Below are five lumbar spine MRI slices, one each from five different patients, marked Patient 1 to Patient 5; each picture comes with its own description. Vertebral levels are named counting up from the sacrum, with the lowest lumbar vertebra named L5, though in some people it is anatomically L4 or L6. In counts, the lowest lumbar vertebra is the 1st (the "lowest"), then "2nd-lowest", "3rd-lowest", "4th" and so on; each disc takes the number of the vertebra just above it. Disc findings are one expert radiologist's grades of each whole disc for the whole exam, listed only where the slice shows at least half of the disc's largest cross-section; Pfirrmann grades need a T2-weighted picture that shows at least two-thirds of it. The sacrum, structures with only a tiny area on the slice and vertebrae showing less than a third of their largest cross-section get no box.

Patient 1 of 5:
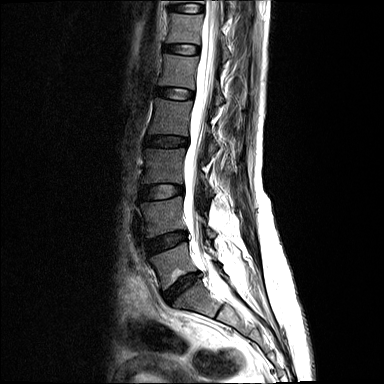 T2-weighted sagittal MRI of the lumbar spine, Image 384x384, Sex F

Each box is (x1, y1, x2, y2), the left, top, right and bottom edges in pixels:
Annotations:
- L1 (5th vertebra): (159, 54, 223, 104)
- L2/L3 (4th disc): (145, 136, 187, 146)
- L4 (2nd-lowest vertebra): (141, 197, 215, 237)
- intervertebral disc L5/S1 (lowest disc): (164, 272, 202, 302)
- L3 (3rd-lowest vertebra): (142, 148, 214, 196)
- thecal sac / spinal canal: (183, 0, 226, 292)
- L5 (lowest vertebra): (150, 243, 216, 289)
- T12/L1 (6th disc): (165, 44, 199, 54)
- L4/L5 (2nd-lowest disc): (146, 231, 186, 254)
- L3/L4 (3rd-lowest disc): (141, 184, 182, 199)
- L1/L2 (5th disc): (156, 88, 192, 99)
- L2 (4th vertebra): (149, 98, 217, 155)
- T12 (6th vertebra): (168, 13, 230, 60)

Degenerative findings by level:
• L1/L2 (5th disc): Pfirrmann grade 2
• L5/S1 (lowest disc): disc narrowing, disc herniation, lower-endplate change
• T12/L1 (6th disc): Pfirrmann grade 2
• L3/L4 (3rd-lowest disc): Pfirrmann grade 2
• L2/L3 (4th disc): Pfirrmann grade 3, disc bulging
• L4/L5 (2nd-lowest disc): Pfirrmann grade 3

Patient 2 of 5:
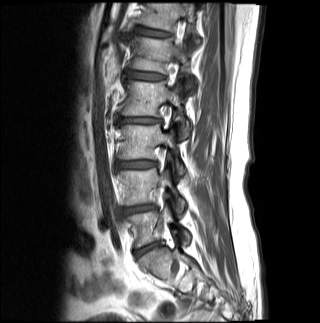 Slice 6/19, Sagittal T1-weighted lumbar spine MRI
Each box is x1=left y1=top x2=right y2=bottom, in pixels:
{"L1/L2": "x1=126 y1=70 x2=164 y2=79", "T12": "x1=137 y1=3 x2=200 y2=45", "L2": "x1=121 y1=80 x2=190 y2=139", "L1 vertebra": "x1=129 y1=37 x2=192 y2=88", "L3": "x1=117 y1=125 x2=185 y2=175", "L5 vertebra": "x1=127 y1=206 x2=190 y2=247", "L4": "x1=118 y1=168 x2=184 y2=213", "IVD L2/L3": "x1=120 y1=117 x2=160 y2=124", "IVD T12/L1": "x1=135 y1=27 x2=170 y2=36", "L5/S1": "x1=135 y1=243 x2=157 y2=256", "IVD L4/L5": "x1=123 y1=205 x2=154 y2=213", "IVD L3/L4": "x1=116 y1=160 x2=156 y2=168"}

Radiological gradings:
- L1/L2: upper-endplate change, lower-endplate change
- L2/L3: lower-endplate change, upper-endplate change, disc bulging, Modic type II, disc narrowing
- L3/L4: disc bulging
- T12/L1: no herniation, bulging, narrowing, spondylolisthesis, endplate or Modic change recorded

Patient 3 of 5:
Sex F; T2 SPACE (3D) sagittal MRI of the lumbar spine 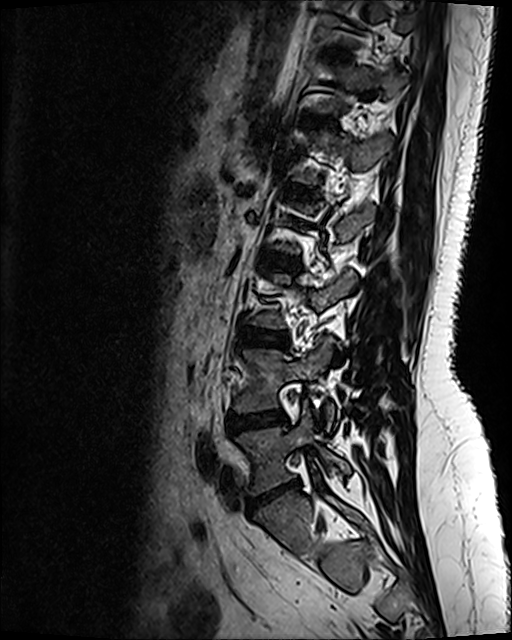

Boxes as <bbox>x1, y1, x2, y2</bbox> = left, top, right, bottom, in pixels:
Segmented structures:
* intervertebral disc L2/L3 = <bbox>260, 256, 298, 270</bbox>
* T12 vertebra = <bbox>314, 67, 404, 114</bbox>
* intervertebral disc T12/L1 = <bbox>303, 115, 328, 127</bbox>
* L4 vertebra = <bbox>234, 337, 334, 430</bbox>
* L4/L5 = <bbox>228, 413, 285, 431</bbox>
* L5 = <bbox>237, 403, 349, 494</bbox>
* intervertebral disc T11/T12 = <bbox>324, 54, 343, 60</bbox>
* L1/L2 = <bbox>288, 186, 307, 193</bbox>
* L3/L4 = <bbox>238, 330, 286, 347</bbox>
* intervertebral disc L5/S1 = <bbox>247, 485, 294, 512</bbox>

Radiological gradings:
  L3/L4: disc bulging

Patient 4 of 5:
Slice spacing 0.9 mm. Scanner: SIEMENS Avanto_fit (1.5T). T2 SPACE (3D) sagittal MRI of the lumbar spine. Image 512x652. Sex M.
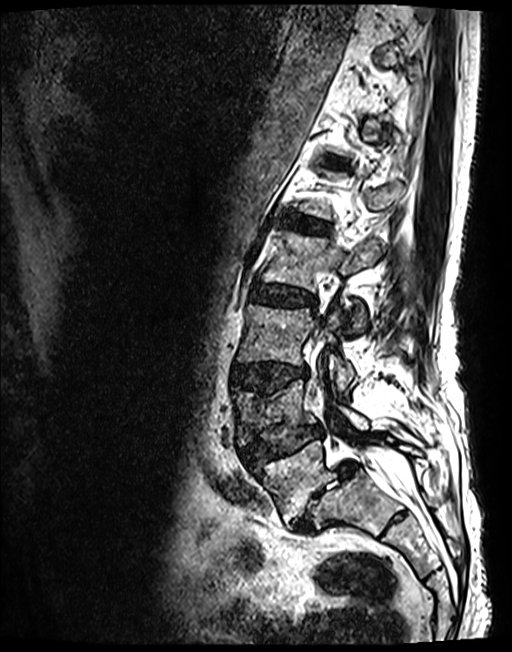
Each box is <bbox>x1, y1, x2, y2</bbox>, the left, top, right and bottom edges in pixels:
L4: <bbox>233, 380, 368, 445</bbox> | IVD L1/L2: <bbox>286, 215, 327, 232</bbox> | L2/L3: <bbox>251, 284, 315, 306</bbox> | IVD L5/S1: <bbox>291, 461, 356, 532</bbox> | L2: <bbox>261, 233, 380, 331</bbox> | IVD L4/L5: <bbox>242, 425, 323, 465</bbox> | spinal canal: <bbox>366, 447, 413, 492</bbox> | L5: <bbox>253, 440, 421, 522</bbox> | L3/L4: <bbox>233, 364, 307, 394</bbox> | L3: <bbox>239, 305, 354, 392</bbox>

Per-level radiological findings:
  L4/L5: Pfirrmann grade 3, upper-endplate change, disc narrowing, lower-endplate change, disc herniation, spondylolisthesis
  L5/S1: Pfirrmann grade 5, spondylolisthesis, disc narrowing, Modic type II, disc herniation
  L2/L3: Pfirrmann grade 3, disc bulging
  L3/L4: Pfirrmann grade 3, upper-endplate change, disc bulging, lower-endplate change

Patient 5 of 5:
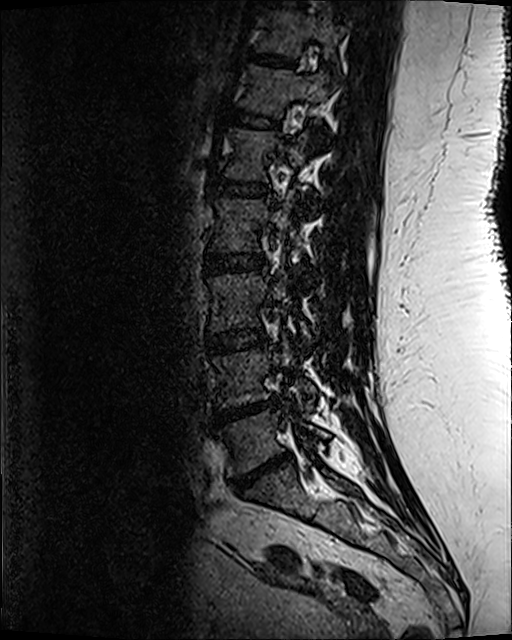

Lumbar spine MR, T2 SPACE (3D), sagittal, Patient sex: F
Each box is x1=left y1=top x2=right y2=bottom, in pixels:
L2/L3 — x1=205 y1=253 x2=264 y2=273.
Disc L3/L4 — x1=208 y1=331 x2=265 y2=351.
L4/L5 — x1=215 y1=398 x2=277 y2=422.
L2 — x1=212 y1=191 x2=293 y2=251.
L3 vertebra — x1=209 y1=268 x2=310 y2=344.
L1 vertebra — x1=225 y1=128 x2=308 y2=180.
Disc T10/T11 — x1=269 y1=0 x2=301 y2=7.
Disc T11/T12 — x1=251 y1=55 x2=292 y2=64.
Disc L5/S1 — x1=228 y1=454 x2=289 y2=492.
T12 vertebra — x1=241 y1=65 x2=330 y2=115.
T11 — x1=257 y1=10 x2=338 y2=55.
Disc T12/L1 — x1=226 y1=108 x2=278 y2=128.
L5 — x1=222 y1=406 x2=329 y2=475.
Disc L1/L2 — x1=213 y1=179 x2=268 y2=196.
L4 — x1=213 y1=339 x2=316 y2=409.

Radiological gradings:
  L3/L4: Pfirrmann grade 3
  L2/L3: Pfirrmann grade 3, lower-endplate change, upper-endplate change
  L1/L2: Pfirrmann grade 3, lower-endplate change
  L5/S1: upper-endplate change, disc herniation, disc narrowing, lower-endplate change, Modic type II
  T12/L1: Pfirrmann grade 3
  T11/T12: lower-endplate change